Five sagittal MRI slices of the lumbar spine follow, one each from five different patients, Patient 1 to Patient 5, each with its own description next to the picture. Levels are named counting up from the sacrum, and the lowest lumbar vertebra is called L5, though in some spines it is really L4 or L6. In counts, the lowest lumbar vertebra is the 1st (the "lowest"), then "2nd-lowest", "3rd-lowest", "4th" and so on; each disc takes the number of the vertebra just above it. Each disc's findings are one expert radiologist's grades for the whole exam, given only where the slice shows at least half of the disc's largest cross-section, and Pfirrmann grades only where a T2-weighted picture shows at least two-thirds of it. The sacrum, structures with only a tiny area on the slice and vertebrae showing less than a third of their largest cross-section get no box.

Patient 1 of 5:
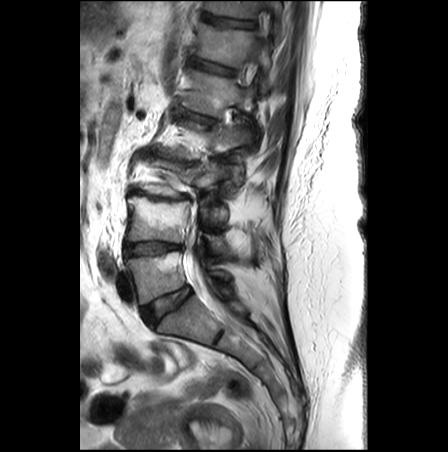

Sagittal T2-weighted lumbar spine MRI. Sex F. Image 448x452.

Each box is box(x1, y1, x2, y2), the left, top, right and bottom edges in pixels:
* lowest vertebra: box(126, 252, 229, 304)
* 5th disc: box(179, 106, 214, 124)
* 2nd-lowest vertebra: box(126, 196, 225, 251)
* spinal canal: box(186, 33, 265, 320)
* 7th disc: box(203, 13, 257, 28)
* 5th vertebra: box(182, 66, 256, 138)
* 2nd-lowest disc: box(123, 242, 182, 255)
* 6th vertebra: box(195, 21, 270, 90)
* 3rd-lowest vertebra: box(142, 158, 237, 220)
* 7th vertebra: box(204, 0, 282, 37)
* 6th disc: box(190, 57, 239, 74)
* 4th disc: box(161, 153, 196, 164)
* 3rd-lowest disc: box(132, 188, 193, 202)
* lowest disc: box(141, 287, 191, 326)

Expert MSK radiologist gradings (per disc):
- 3rd-lowest disc: Pfirrmann grade 5, lower-endplate change, upper-endplate change, disc bulging, Modic type II, disc narrowing
- lowest disc: Pfirrmann grade 2
- 2nd-lowest disc: Pfirrmann grade 5, upper-endplate change, lower-endplate change, disc narrowing, Modic type II, disc bulging
- 6th disc: Pfirrmann grade 3, lower-endplate change, Modic type II, upper-endplate change
- 7th disc: Pfirrmann grade 3, upper-endplate change, lower-endplate change
- 5th disc: disc bulging, Modic type II, lower-endplate change, disc narrowing, spondylolisthesis, upper-endplate change

Patient 2 of 5:
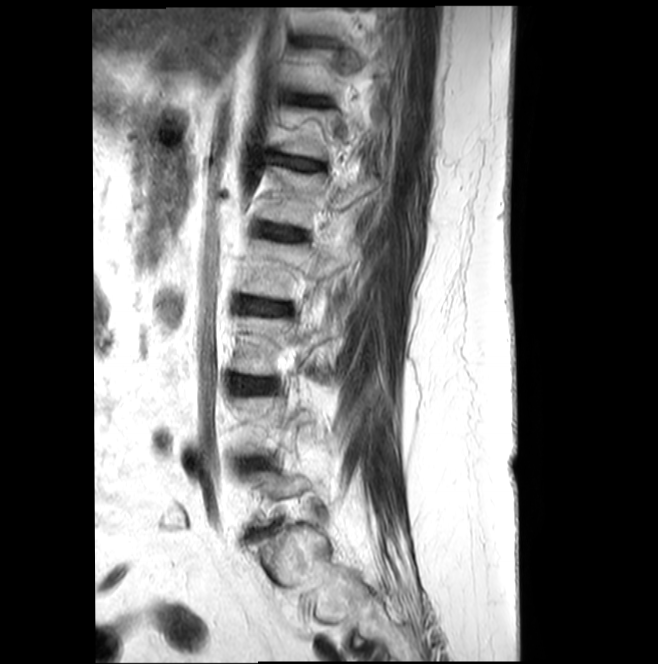 Sagittal slice index 5, T2-weighted sagittal MRI of the lumbar spine
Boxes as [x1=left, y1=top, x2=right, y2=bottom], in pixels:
{"3rd-lowest disc": "[x1=232, y1=376, x2=272, y2=393]", "4th vertebra": "[x1=241, y1=239, x2=355, y2=299]", "5th vertebra": "[x1=260, y1=166, x2=377, y2=228]", "6th disc": "[x1=270, y1=155, x2=320, y2=171]", "5th disc": "[x1=259, y1=224, x2=304, y2=240]", "4th disc": "[x1=238, y1=297, x2=288, y2=314]", "3rd-lowest vertebra": "[x1=233, y1=305, x2=340, y2=375]", "7th disc": "[x1=304, y1=98, x2=321, y2=105]"}

Degenerative findings by level:
- 6th disc: disc bulging
- 5th disc, 4th disc: no spondylolisthesis, narrowing, bulging, herniation, Modic or endplate change recorded

Patient 3 of 5:
Slice 13/27. Field of view 280x282 mm, slice spacing 3.3 mm. Sagittal T2-weighted lumbar spine MRI.

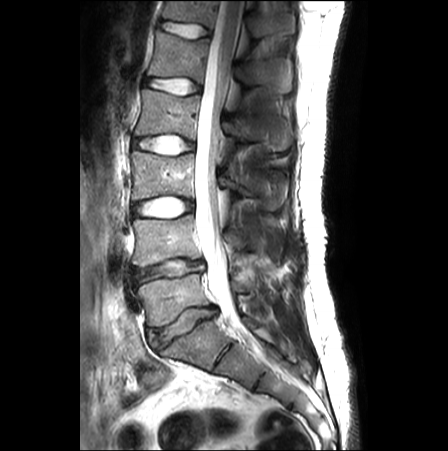
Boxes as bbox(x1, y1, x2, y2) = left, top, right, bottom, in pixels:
Annotations:
• L3/L4 — bbox(133, 195, 192, 217)
• thecal sac / spinal canal — bbox(195, 1, 243, 327)
• disc T12/L1 — bbox(163, 21, 209, 38)
• disc L1/L2 — bbox(145, 78, 200, 93)
• T12 — bbox(163, 1, 294, 37)
• L4/L5 — bbox(134, 259, 202, 281)
• L4 vertebra — bbox(133, 214, 259, 266)
• L2 vertebra — bbox(135, 89, 290, 150)
• L5 — bbox(138, 274, 247, 326)
• L5/S1 — bbox(149, 306, 216, 347)
• L2/L3 — bbox(133, 134, 193, 156)
• L1 — bbox(148, 30, 292, 92)
• L3 vertebra — bbox(131, 151, 283, 209)

Per-level radiological findings:
  L1/L2: Pfirrmann grade 1
  T12/L1: Pfirrmann grade 1, lower-endplate change
  L2/L3: Pfirrmann grade 1
  L3/L4: Pfirrmann grade 1
  L4/L5: Pfirrmann grade 3, disc narrowing, disc bulging
  L5/S1: Pfirrmann grade 3, disc bulging, disc narrowing

Patient 4 of 5:
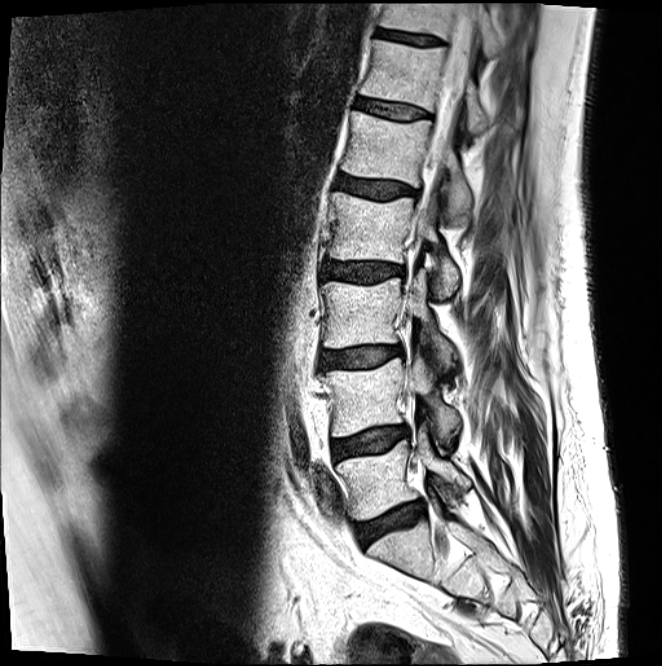

Slice 14 of 21 | T2-weighted sagittal MRI of the lumbar spine | Sex M

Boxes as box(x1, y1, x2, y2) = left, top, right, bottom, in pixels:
Intervertebral disc L1/L2 at box(338, 175, 417, 198); spinal canal at box(426, 9, 478, 202); L5 at box(336, 423, 471, 519); intervertebral disc L5/S1 at box(354, 501, 425, 547); T12 at box(361, 40, 490, 134); T12/L1 at box(356, 98, 428, 119); T11 at box(379, 2, 503, 59); L2 at box(329, 191, 459, 297); L3/L4 at box(319, 346, 403, 370); T11/T12 at box(376, 29, 443, 45); L3 at box(321, 269, 456, 370); L1 vertebra at box(341, 111, 471, 221); intervertebral disc L4/L5 at box(331, 425, 409, 459); L4 vertebra at box(322, 355, 459, 441); intervertebral disc L2/L3 at box(323, 261, 404, 281).

Per-level radiological findings:
  L2/L3: Pfirrmann grade 3, disc bulging
  T12/L1: Pfirrmann grade 2
  L5/S1: Pfirrmann grade 3, Modic type II, disc narrowing, disc bulging
  L3/L4: Pfirrmann grade 2, disc bulging, Modic type II
  L1/L2: Pfirrmann grade 3, disc bulging
  T11/T12: Pfirrmann grade 3
  L4/L5: Pfirrmann grade 2, disc bulging, Modic type II

Patient 5 of 5:
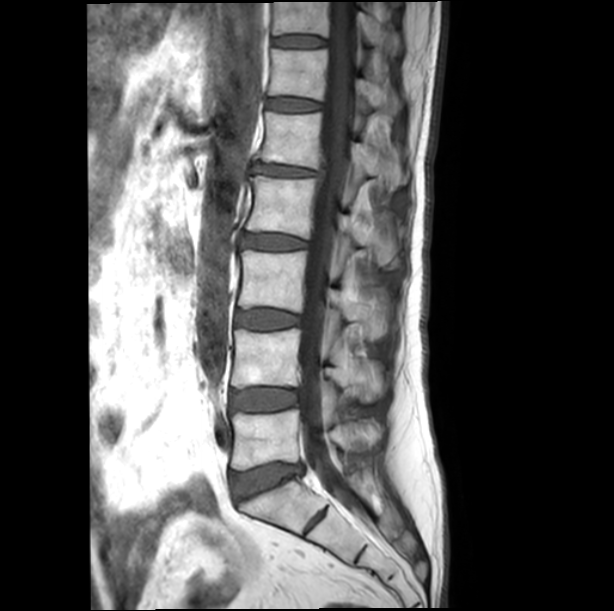 Field of view 310x308 mm, slice spacing 4.4 mm. MRI lumbar spine (T1-weighted), sagittal plane. Slice 11/19. Image 614x611.
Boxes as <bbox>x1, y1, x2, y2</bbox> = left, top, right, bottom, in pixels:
• 2nd-lowest vertebra — <bbox>231, 329, 383, 401</bbox>
• lowest vertebra — <bbox>231, 410, 383, 470</bbox>
• 5th disc — <bbox>253, 164, 321, 176</bbox>
• 3rd-lowest disc — <bbox>235, 310, 300, 330</bbox>
• 4th disc — <bbox>241, 234, 309, 250</bbox>
• 5th vertebra — <bbox>258, 110, 407, 189</bbox>
• 4th vertebra — <bbox>246, 176, 397, 264</bbox>
• spinal canal — <bbox>300, 2, 356, 507</bbox>
• lowest disc — <bbox>232, 464, 304, 500</bbox>
• 7th vertebra — <bbox>273, 2, 402, 52</bbox>
• 6th disc — <bbox>267, 97, 321, 111</bbox>
• 2nd-lowest disc — <bbox>231, 389, 297, 410</bbox>
• 6th vertebra — <bbox>269, 48, 402, 113</bbox>
• 7th disc — <bbox>273, 35, 326, 47</bbox>
• 3rd-lowest vertebra — <bbox>238, 250, 391, 338</bbox>

Degenerative findings by level:
  lowest disc: disc bulging
  5th disc: disc narrowing, disc bulging
  3rd-lowest disc, 2nd-lowest disc, 7th disc, 6th disc, 4th disc: no Modic or endplate change, herniation, narrowing, bulging or spondylolisthesis recorded